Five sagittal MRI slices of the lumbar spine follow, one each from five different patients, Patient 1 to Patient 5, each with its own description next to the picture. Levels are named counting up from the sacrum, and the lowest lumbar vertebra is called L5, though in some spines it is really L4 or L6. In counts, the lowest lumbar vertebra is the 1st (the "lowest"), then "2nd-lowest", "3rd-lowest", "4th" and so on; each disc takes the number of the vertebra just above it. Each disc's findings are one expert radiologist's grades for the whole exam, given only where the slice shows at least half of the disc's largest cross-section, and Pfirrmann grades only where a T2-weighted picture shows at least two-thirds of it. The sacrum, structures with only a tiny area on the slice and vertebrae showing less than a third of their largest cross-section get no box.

Patient 1 of 5:
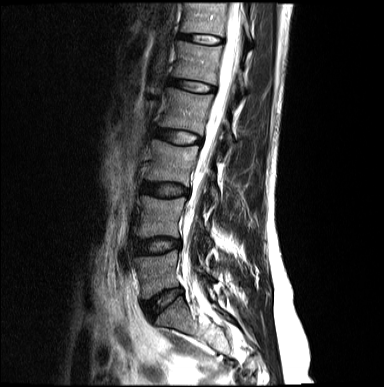 Slice spacing 4.8 mm; Lumbar spine MR, T2-weighted, sagittal; Sex F

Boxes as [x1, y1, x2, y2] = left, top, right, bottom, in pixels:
- L4 (2nd-lowest vertebra) — [136, 196, 211, 246]
- T12/L1 (6th disc) — [179, 34, 219, 44]
- L5/S1 (lowest disc) — [144, 288, 182, 317]
- L3/L4 (3rd-lowest disc) — [141, 182, 188, 197]
- IVD L1/L2 (5th disc) — [169, 78, 213, 92]
- T12 (6th vertebra) — [181, 2, 251, 40]
- L4/L5 (2nd-lowest disc) — [134, 238, 179, 254]
- spinal canal — [187, 2, 243, 272]
- L2 (4th vertebra) — [159, 88, 232, 144]
- L5 (lowest vertebra) — [134, 250, 211, 298]
- L1 (5th vertebra) — [173, 41, 246, 90]
- L2/L3 (4th disc) — [153, 127, 200, 144]
- L3 (3rd-lowest vertebra) — [144, 140, 218, 204]

Radiological gradings:
  T12/L1 (6th disc): Pfirrmann grade 2
  L3/L4 (3rd-lowest disc): Pfirrmann grade 2, disc bulging
  L2/L3 (4th disc): Pfirrmann grade 2
  L1/L2 (5th disc): Pfirrmann grade 2
  L5/S1 (lowest disc): Pfirrmann grade 2, disc bulging, disc narrowing
  L4/L5 (2nd-lowest disc): Pfirrmann grade 2, disc bulging

Patient 2 of 5:
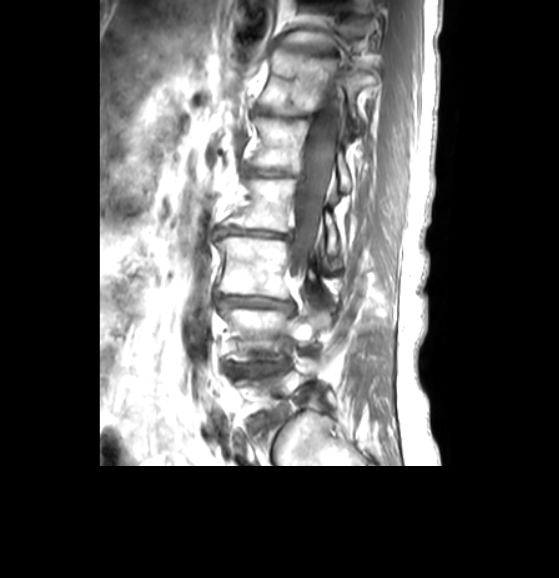
Lumbar spine MR, T1-weighted, sagittal.
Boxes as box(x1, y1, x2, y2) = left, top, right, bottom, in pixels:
L1 (5th vertebra): box(248, 118, 351, 190) | disc L1/L2 (5th disc): box(243, 168, 295, 175) | L3/L4 (3rd-lowest disc): box(216, 294, 290, 307) | disc L2/L3 (4th disc): box(217, 227, 291, 240) | L4 (2nd-lowest vertebra): box(221, 302, 331, 362) | L3 (3rd-lowest vertebra): box(217, 236, 316, 298) | L2 (4th vertebra): box(225, 177, 339, 269) | T12 (6th vertebra): box(260, 51, 371, 132) | spinal canal: box(287, 77, 342, 287) | T11 (7th vertebra): box(281, 30, 334, 48) | disc T12/L1 (6th disc): box(256, 108, 310, 118) | T11/T12 (7th disc): box(286, 47, 330, 54) | disc L4/L5 (2nd-lowest disc): box(227, 361, 286, 376)

Radiological gradings:
  T11/T12 (7th disc): disc narrowing
  L4/L5 (2nd-lowest disc): disc bulging
  L3/L4 (3rd-lowest disc): disc bulging, disc narrowing

Patient 3 of 5:
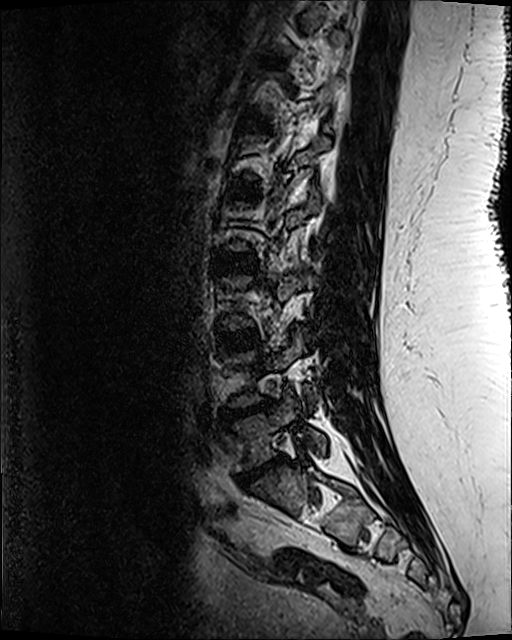

Sagittal T2 SPACE (3D) lumbar spine MRI, Sex F

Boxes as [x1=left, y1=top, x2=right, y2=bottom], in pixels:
lowest disc: [x1=238, y1=456, x2=285, y2=485]
4th disc: [x1=212, y1=255, x2=256, y2=272]
6th disc: [x1=241, y1=114, x2=266, y2=123]
5th disc: [x1=233, y1=184, x2=255, y2=195]
lowest vertebra: [x1=234, y1=393, x2=327, y2=470]
2nd-lowest vertebra: [x1=226, y1=333, x2=312, y2=405]
3rd-lowest disc: [x1=219, y1=332, x2=256, y2=351]
2nd-lowest disc: [x1=225, y1=400, x2=274, y2=418]

Per-level radiological findings:
- lowest disc: Modic type II, disc herniation, lower-endplate change, disc narrowing, upper-endplate change
- 4th disc: Pfirrmann grade 3, lower-endplate change, upper-endplate change
- 3rd-lowest disc: no Modic or endplate change, herniation, narrowing, bulging or spondylolisthesis recorded

Patient 4 of 5:
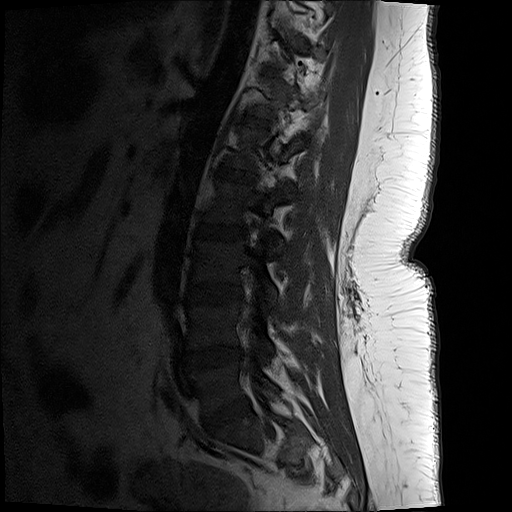 T1-weighted sagittal MRI of the lumbar spine; Slice 4 of 17
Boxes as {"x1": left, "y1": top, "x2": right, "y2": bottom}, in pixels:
4th vertebra = {"x1": 205, "y1": 179, "x2": 294, "y2": 249}.
4th disc = {"x1": 195, "y1": 220, "x2": 248, "y2": 238}.
6th vertebra = {"x1": 250, "y1": 77, "x2": 322, "y2": 118}.
3rd-lowest vertebra = {"x1": 195, "y1": 235, "x2": 278, "y2": 304}.
3rd-lowest disc = {"x1": 187, "y1": 282, "x2": 242, "y2": 305}.
6th disc = {"x1": 239, "y1": 112, "x2": 269, "y2": 128}.
Lowest vertebra = {"x1": 194, "y1": 361, "x2": 278, "y2": 413}.
2nd-lowest vertebra = {"x1": 188, "y1": 299, "x2": 275, "y2": 353}.
2nd-lowest disc = {"x1": 189, "y1": 346, "x2": 242, "y2": 367}.
7th disc = {"x1": 264, "y1": 67, "x2": 282, "y2": 75}.
Lowest disc = {"x1": 206, "y1": 398, "x2": 250, "y2": 430}.
5th disc = {"x1": 215, "y1": 163, "x2": 257, "y2": 183}.

Degenerative findings by level:
- 2nd-lowest disc: disc bulging, disc narrowing
- lowest disc: disc narrowing, disc bulging
- 4th disc, 6th disc, 5th disc, 3rd-lowest disc: no herniation, bulging, narrowing, spondylolisthesis, endplate or Modic change recorded

Patient 5 of 5:
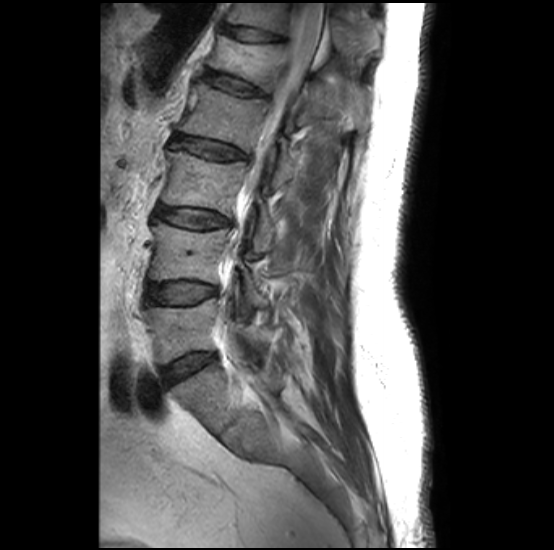 T2-weighted sagittal MRI of the lumbar spine

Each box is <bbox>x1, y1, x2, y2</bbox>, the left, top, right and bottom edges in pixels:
IVD L5/S1: <bbox>160, 353, 213, 384</bbox>.
L3/L4: <bbox>157, 205, 231, 228</bbox>.
L5 vertebra: <bbox>146, 298, 263, 363</bbox>.
L4/L5: <bbox>149, 282, 216, 304</bbox>.
L1: <bbox>207, 34, 370, 125</bbox>.
L3 vertebra: <bbox>162, 149, 274, 254</bbox>.
L2 vertebra: <bbox>178, 80, 297, 187</bbox>.
L1/L2: <bbox>204, 70, 265, 95</bbox>.
L4 vertebra: <bbox>151, 223, 263, 304</bbox>.
IVD L2/L3: <bbox>173, 134, 247, 159</bbox>.
IVD T12/L1: <bbox>220, 23, 284, 41</bbox>.
T12 vertebra: <bbox>227, 3, 370, 53</bbox>.
Thecal sac / spinal canal: <bbox>245, 3, 323, 210</bbox>.

Radiological gradings:
- T12/L1: Pfirrmann grade 2, upper-endplate change, spondylolisthesis
- L1/L2: Pfirrmann grade 2, Modic type II, lower-endplate change, upper-endplate change
- L4/L5: Pfirrmann grade 1, Modic type II, upper-endplate change, lower-endplate change
- L5/S1: Pfirrmann grade 1
- L3/L4: Pfirrmann grade 2, upper-endplate change, Modic type II, lower-endplate change
- L2/L3: Pfirrmann grade 2, upper-endplate change, lower-endplate change, Modic type II